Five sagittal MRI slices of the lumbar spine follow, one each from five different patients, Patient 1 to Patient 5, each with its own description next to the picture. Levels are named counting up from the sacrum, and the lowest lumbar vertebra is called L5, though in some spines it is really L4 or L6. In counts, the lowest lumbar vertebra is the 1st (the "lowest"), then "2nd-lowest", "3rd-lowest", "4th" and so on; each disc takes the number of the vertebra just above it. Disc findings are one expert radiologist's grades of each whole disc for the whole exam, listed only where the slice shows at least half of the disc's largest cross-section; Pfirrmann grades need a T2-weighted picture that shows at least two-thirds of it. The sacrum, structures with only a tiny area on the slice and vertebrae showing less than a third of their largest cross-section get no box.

Patient 1 of 5:
T1-weighted sagittal MRI of the lumbar spine

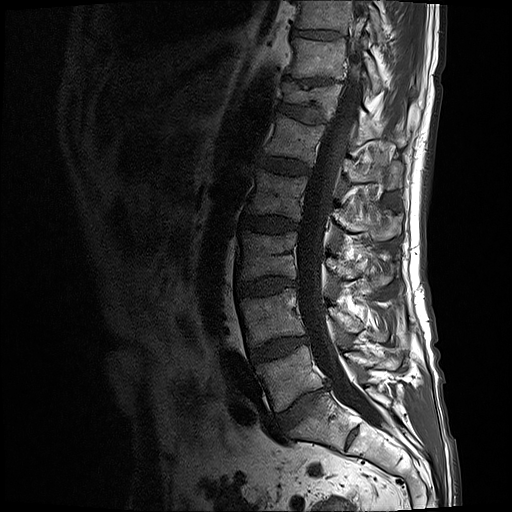
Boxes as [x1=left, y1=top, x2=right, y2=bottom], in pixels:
Spinal canal: [x1=297, y1=0, x2=384, y2=426].
8th vertebra: [x1=294, y1=0, x2=385, y2=43].
6th disc: [x1=278, y1=101, x2=327, y2=123].
5th disc: [x1=258, y1=155, x2=309, y2=174].
4th vertebra: [x1=246, y1=171, x2=402, y2=240].
4th disc: [x1=241, y1=215, x2=299, y2=232].
2nd-lowest disc: [x1=249, y1=337, x2=307, y2=360].
3rd-lowest disc: [x1=236, y1=278, x2=297, y2=296].
Lowest vertebra: [x1=256, y1=345, x2=402, y2=410].
6th vertebra: [x1=281, y1=81, x2=409, y2=146].
3rd-lowest vertebra: [x1=237, y1=230, x2=399, y2=286].
7th vertebra: [x1=286, y1=38, x2=417, y2=94].
Lowest disc: [x1=276, y1=388, x2=325, y2=433].
2nd-lowest vertebra: [x1=239, y1=287, x2=388, y2=346].
8th disc: [x1=291, y1=29, x2=339, y2=38].
7th disc: [x1=302, y1=79, x2=333, y2=87].
5th vertebra: [x1=264, y1=112, x2=403, y2=190].

Per-level radiological findings:
- 3rd-lowest disc: disc bulging, Modic type II, disc narrowing
- 7th disc: upper-endplate change, lower-endplate change, disc narrowing
- lowest disc: disc narrowing, disc bulging
- 6th disc: lower-endplate change, upper-endplate change
- 2nd-lowest disc: disc bulging, Modic type II
- 4th disc: Modic type II, disc bulging
- 8th disc, 5th disc: no spondylolisthesis, narrowing, bulging, herniation, Modic or endplate change recorded

Patient 2 of 5:
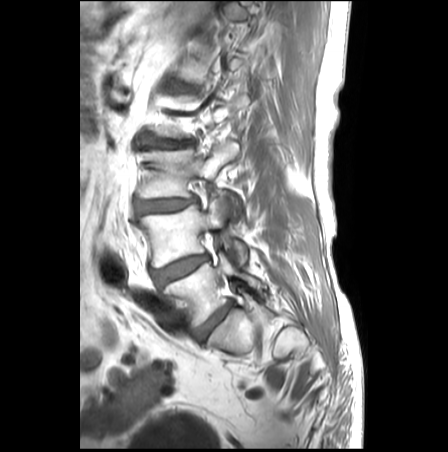
Patient sex: M; Slice spacing 3.3 mm; T1-weighted sagittal MRI of the lumbar spine

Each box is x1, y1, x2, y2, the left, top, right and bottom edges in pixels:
IVD L3/L4 (3rd-lowest disc) at 137, 198, 197, 213.
IVD L5/S1 (lowest disc) at 193, 302, 231, 340.
L2/L3 (4th disc) at 138, 137, 193, 147.
L3 (3rd-lowest vertebra) at 138, 141, 242, 215.
IVD L4/L5 (2nd-lowest disc) at 152, 254, 209, 285.
L5 (lowest vertebra) at 164, 252, 266, 326.
L4 (2nd-lowest vertebra) at 139, 197, 248, 267.

Degenerative findings by level:
• L3/L4 (3rd-lowest disc): disc narrowing, disc bulging
• L2/L3 (4th disc): disc bulging
• L4/L5 (2nd-lowest disc): disc bulging

Patient 3 of 5:
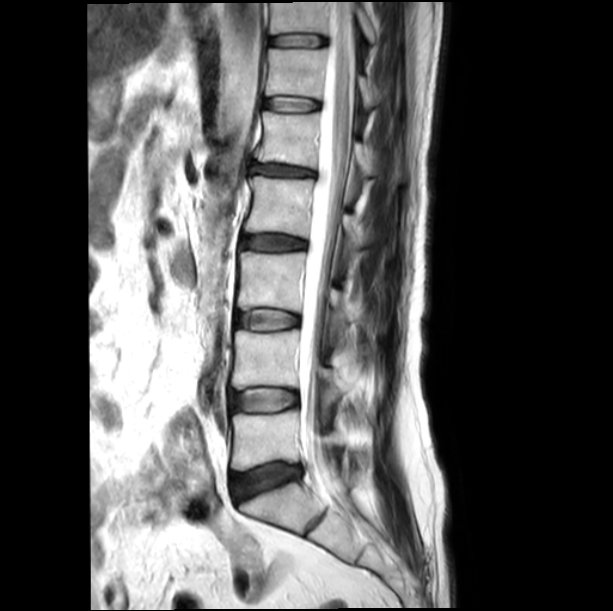 Sagittal slice index 8, Sagittal T2-weighted lumbar spine MRI, Image 613x611, Field of view 310x308 mm, slice spacing 4.4 mm
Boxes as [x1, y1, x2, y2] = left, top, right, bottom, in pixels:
{"spinal canal": "[298, 2, 354, 500]", "L5 vertebra": "[231, 410, 341, 470]", "T11/T12": "[270, 34, 325, 47]", "L4 vertebra": "[232, 330, 343, 404]", "IVD L1/L2": "[250, 163, 315, 176]", "L2 vertebra": "[245, 176, 364, 257]", "T11 vertebra": "[270, 2, 375, 43]", "IVD T12/L1": "[264, 97, 319, 111]", "T12 vertebra": "[265, 47, 375, 109]", "L4/L5": "[231, 387, 297, 412]", "L1 vertebra": "[255, 110, 373, 179]", "IVD L3/L4": "[237, 310, 298, 330]", "L3 vertebra": "[238, 251, 352, 340]", "L2/L3": "[241, 235, 306, 250]", "IVD L5/S1": "[232, 464, 300, 501]"}

Expert MSK radiologist gradings (per disc):
  L4/L5: Pfirrmann grade 1
  L3/L4: Pfirrmann grade 1
  L1/L2: Pfirrmann grade 3, disc bulging, disc narrowing
  T11/T12: Pfirrmann grade 1
  T12/L1: Pfirrmann grade 1
  L2/L3: Pfirrmann grade 3
  L5/S1: Pfirrmann grade 3, disc bulging

Patient 4 of 5:
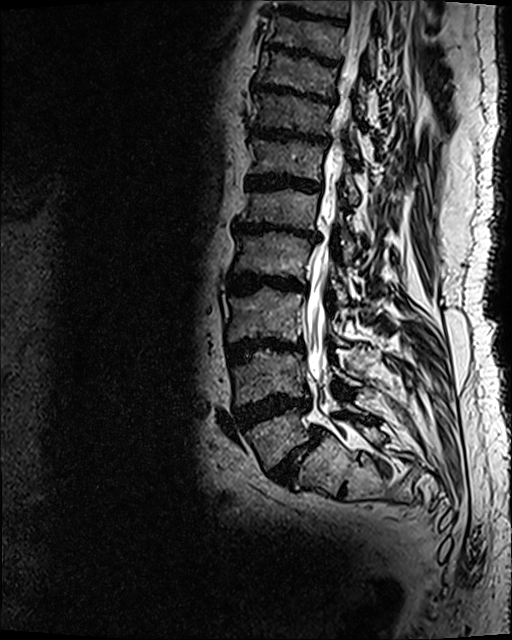
512x640 px | Sagittal T2 SPACE (3D) lumbar spine MRI | Slice 56/120

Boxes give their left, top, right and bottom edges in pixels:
7th disc: left=250, top=125, right=329, bottom=144
4th disc: left=227, top=274, right=305, bottom=294
8th disc: left=251, top=82, right=332, bottom=104
6th vertebra: left=249, top=137, right=360, bottom=204
4th vertebra: left=233, top=232, right=349, bottom=307
7th vertebra: left=250, top=92, right=359, bottom=158
5th disc: left=232, top=221, right=320, bottom=241
3rd-lowest vertebra: left=227, top=287, right=349, bottom=346
lowest vertebra: left=245, top=401, right=369, bottom=470
5th vertebra: left=239, top=189, right=358, bottom=263
2nd-lowest vertebra: left=232, top=349, right=362, bottom=404
2nd-lowest disc: left=233, top=394, right=311, bottom=430
lowest disc: left=269, top=428, right=323, bottom=484
3rd-lowest disc: left=226, top=337, right=302, bottom=363
8th vertebra: left=256, top=49, right=365, bottom=117
9th disc: left=263, top=43, right=341, bottom=65
6th disc: left=246, top=174, right=322, bottom=192
thecal sac / spinal canal: left=306, top=1, right=374, bottom=409

Per-level radiological findings:
• 5th disc: disc narrowing, upper-endplate change, Modic type II, disc bulging, lower-endplate change
• lowest disc: Pfirrmann grade 5, Modic type II, upper-endplate change, disc narrowing, spondylolisthesis, lower-endplate change, disc bulging
• 8th disc: lower-endplate change, disc bulging, Modic type II, upper-endplate change, disc narrowing
• 7th disc: Pfirrmann grade 5, lower-endplate change, disc bulging, disc narrowing, Modic type II, upper-endplate change
• 4th disc: Pfirrmann grade 5, disc bulging, Modic type II, lower-endplate change, upper-endplate change, disc narrowing
• 6th disc: Pfirrmann grade 5, Modic type II, disc bulging, upper-endplate change, lower-endplate change, disc narrowing
• 3rd-lowest disc: Pfirrmann grade 5, disc bulging, lower-endplate change, disc narrowing, Modic type II, upper-endplate change
• 2nd-lowest disc: Pfirrmann grade 5, lower-endplate change, disc narrowing, upper-endplate change, disc bulging, Modic type II
• 9th disc: disc narrowing, lower-endplate change, disc bulging, Modic type II, upper-endplate change

Patient 5 of 5:
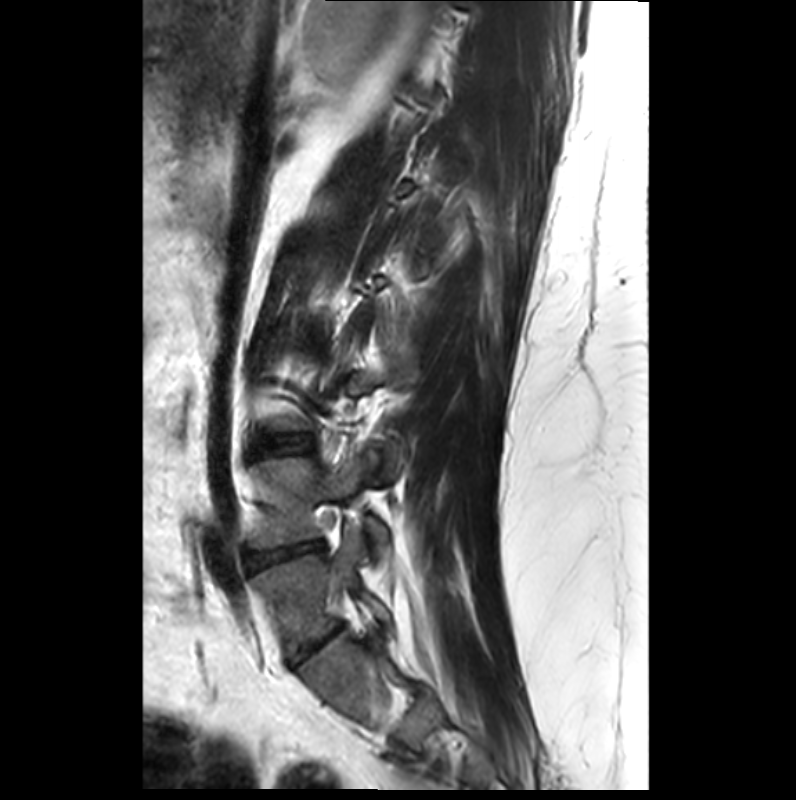 MRI lumbar spine (T2-weighted), sagittal plane.

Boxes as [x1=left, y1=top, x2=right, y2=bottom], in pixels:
L3/L4 (3rd-lowest disc) at [x1=273, y1=436, x2=310, y2=454], L5 (lowest vertebra) at [x1=255, y1=531, x2=392, y2=658], L5/S1 (lowest disc) at [x1=292, y1=624, x2=345, y2=665], L4 (2nd-lowest vertebra) at [x1=249, y1=450, x2=388, y2=548], IVD L4/L5 (2nd-lowest disc) at [x1=249, y1=544, x2=317, y2=567].